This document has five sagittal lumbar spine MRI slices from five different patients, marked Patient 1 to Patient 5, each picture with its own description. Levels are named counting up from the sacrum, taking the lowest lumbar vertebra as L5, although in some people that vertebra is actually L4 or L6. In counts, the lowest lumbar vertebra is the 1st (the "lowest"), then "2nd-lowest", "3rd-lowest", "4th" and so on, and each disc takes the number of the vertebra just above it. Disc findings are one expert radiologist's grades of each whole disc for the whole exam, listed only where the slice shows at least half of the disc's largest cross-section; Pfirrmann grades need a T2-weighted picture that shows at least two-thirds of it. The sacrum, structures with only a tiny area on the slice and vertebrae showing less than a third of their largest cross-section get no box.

Patient 1 of 5:
Field of view 240x300 mm, slice spacing 0.9 mm; Lumbar spine MR, T2 SPACE (3D), sagittal; Sagittal slice index 85
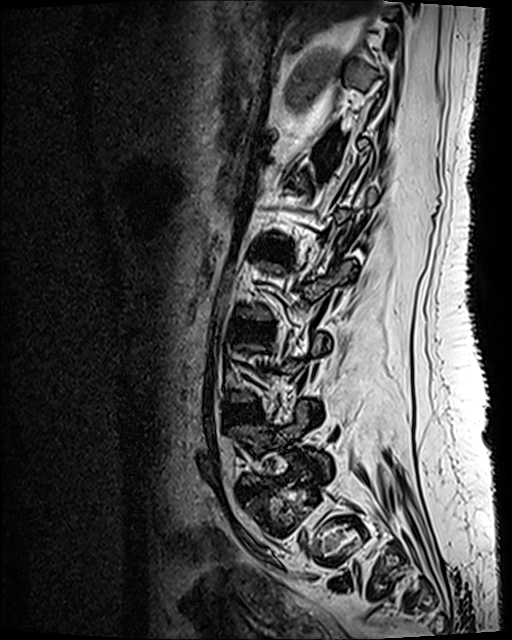
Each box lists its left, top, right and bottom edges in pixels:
Structures:
* L4/L5 (2nd-lowest disc) — left=225, top=405, right=259, bottom=421
* L2/L3 (4th disc) — left=251, top=241, right=291, bottom=258
* L5/S1 (lowest disc) — left=242, top=482, right=271, bottom=495
* L3/L4 (3rd-lowest disc) — left=230, top=322, right=272, bottom=340

Patient 2 of 5:
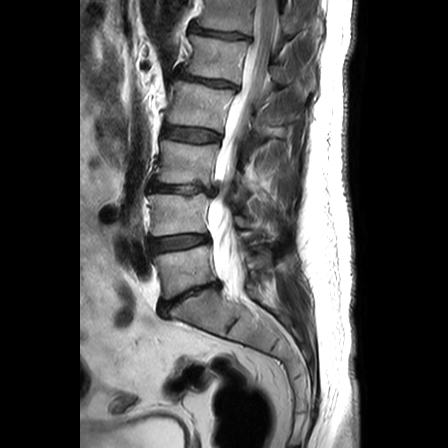 Lumbar spine MR, T2-weighted, sagittal; Sagittal slice index 10

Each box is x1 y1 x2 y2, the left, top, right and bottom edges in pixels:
3rd-lowest disc at 151 181 216 195, 2nd-lowest vertebra at 148 193 247 235, 4th disc at 163 126 220 142, 4th vertebra at 168 80 265 137, lowest vertebra at 152 245 270 298, spinal canal at 211 0 276 297, 2nd-lowest disc at 149 235 208 253, 5th disc at 174 69 236 88, lowest disc at 157 282 220 316, 3rd-lowest vertebra at 157 140 248 200, 6th disc at 190 25 248 38, 6th vertebra at 197 0 292 35, 5th vertebra at 184 35 306 94.

Expert MSK radiologist gradings (per disc):
• lowest disc: Pfirrmann grade 5, disc bulging, disc narrowing
• 2nd-lowest disc: Pfirrmann grade 2, disc bulging
• 6th disc: Pfirrmann grade 3, disc bulging, disc narrowing
• 3rd-lowest disc: Pfirrmann grade 5, disc narrowing, disc herniation
• 5th disc: Pfirrmann grade 3, disc bulging, disc narrowing
• 4th disc: Pfirrmann grade 2

Patient 3 of 5:
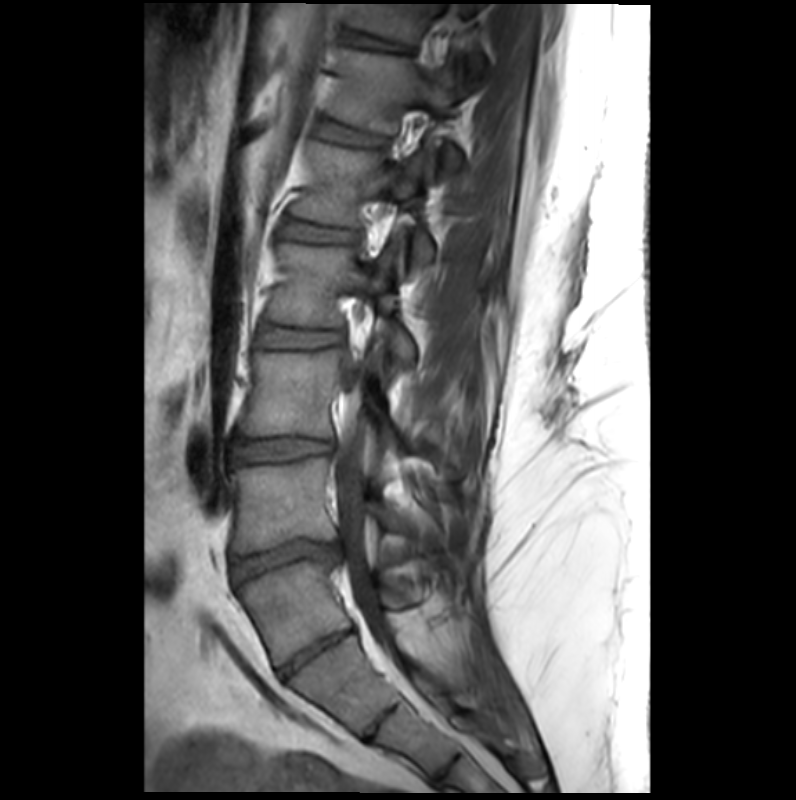

T1-weighted sagittal MRI of the lumbar spine, Slice spacing 3.4 mm, Patient sex: M

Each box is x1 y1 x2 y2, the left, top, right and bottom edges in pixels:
Annotations:
* 7th vertebra = 349 5 485 80
* 5th disc = 281 222 356 241
* 3rd-lowest disc = 232 438 331 461
* 2nd-lowest vertebra = 231 456 404 552
* lowest vertebra = 238 559 411 666
* 2nd-lowest disc = 232 541 338 580
* 7th disc = 346 32 403 49
* lowest disc = 281 632 353 676
* 3rd-lowest vertebra = 239 349 402 448
* 6th vertebra = 329 48 463 181
* thecal sac / spinal canal = 335 380 388 643
* 4th vertebra = 268 242 414 363
* 4th disc = 256 327 341 347
* 6th disc = 317 123 384 144
* 5th vertebra = 292 141 434 268

Degenerative findings by level:
  lowest disc: disc narrowing
  2nd-lowest disc: disc narrowing, disc herniation, lower-endplate change, upper-endplate change, Modic type III, spondylolisthesis
  4th disc, 3rd-lowest disc: no herniation, bulging, narrowing, spondylolisthesis, endplate or Modic change recorded

Patient 4 of 5:
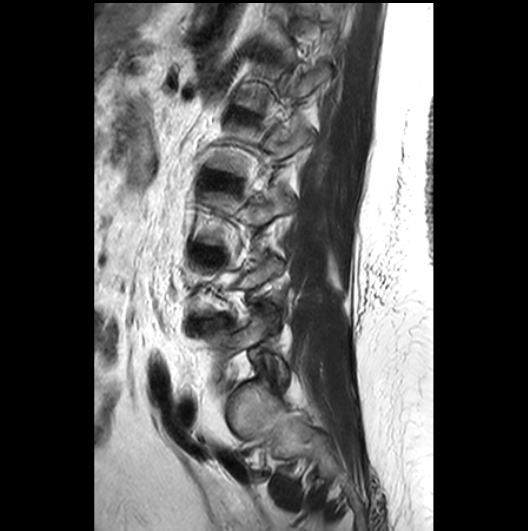

T2-weighted sagittal MRI of the lumbar spine
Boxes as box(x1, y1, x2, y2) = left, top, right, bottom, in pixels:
L5 vertebra at box(203, 314, 288, 388) | L3/L4 at box(199, 249, 212, 254) | L4/L5 at box(195, 315, 229, 327)

Patient 5 of 5:
T2 SPACE (3D) sagittal MRI of the lumbar spine | Patient sex: F
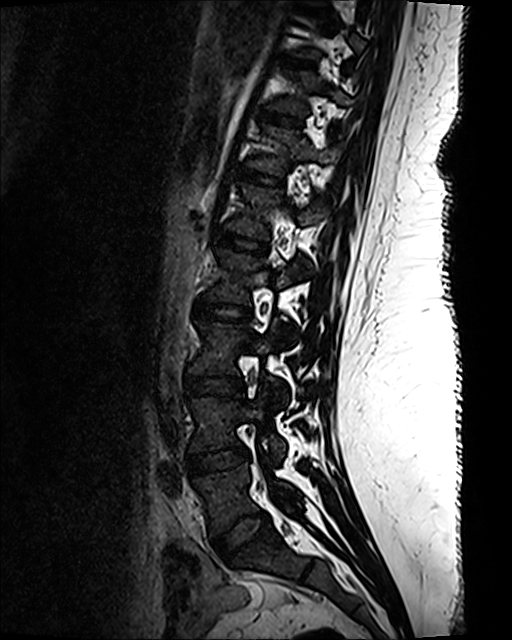 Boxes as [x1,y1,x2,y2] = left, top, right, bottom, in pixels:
- 7th disc = [260,110,302,126]
- 4th disc = [194,300,251,321]
- 3rd-lowest disc = [185,376,243,394]
- lowest vertebra = [194,463,299,535]
- 7th vertebra = [268,71,352,130]
- 4th vertebra = [205,249,295,338]
- 6th vertebra = [245,124,334,174]
- 2nd-lowest disc = [188,447,249,475]
- 8th vertebra = [290,17,364,57]
- 2nd-lowest vertebra = [189,395,285,458]
- 3rd-lowest vertebra = [187,320,287,403]
- 5th vertebra = [226,184,322,273]
- 5th disc = [213,232,266,252]
- 8th disc = [279,55,316,68]
- lowest disc = [212,511,269,561]
- 6th disc = [239,169,283,185]

Degenerative findings by level:
  7th disc: Pfirrmann grade 1
  6th disc: Pfirrmann grade 1
  5th disc: Pfirrmann grade 1
  lowest disc: Pfirrmann grade 1
  4th disc: Pfirrmann grade 1
  3rd-lowest disc: Pfirrmann grade 1
  2nd-lowest disc: Pfirrmann grade 1
  8th disc: no herniation, bulging, narrowing, spondylolisthesis, endplate or Modic change recorded